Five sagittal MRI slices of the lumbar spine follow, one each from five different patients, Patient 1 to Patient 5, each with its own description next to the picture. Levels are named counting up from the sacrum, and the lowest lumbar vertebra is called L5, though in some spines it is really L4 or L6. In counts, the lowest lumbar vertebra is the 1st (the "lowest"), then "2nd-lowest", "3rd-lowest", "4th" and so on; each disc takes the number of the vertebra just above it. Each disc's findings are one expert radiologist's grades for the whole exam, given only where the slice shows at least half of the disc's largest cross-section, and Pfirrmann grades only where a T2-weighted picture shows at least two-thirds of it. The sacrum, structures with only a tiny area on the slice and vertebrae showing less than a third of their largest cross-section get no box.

Patient 1 of 5:
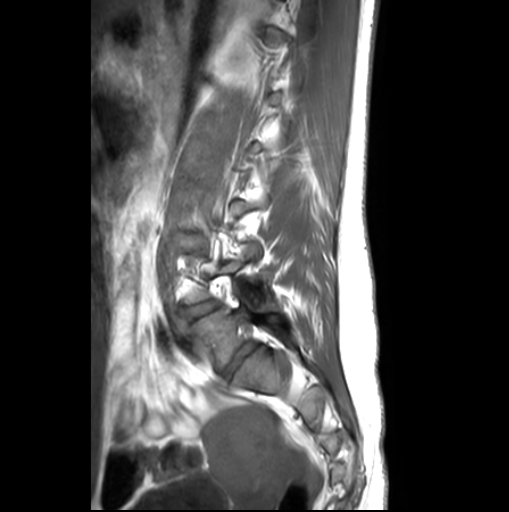 Lumbar spine MR, T1-weighted, sagittal | Slice spacing 3.3 mm | Sagittal slice index 6

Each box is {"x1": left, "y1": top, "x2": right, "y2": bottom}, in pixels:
L4/L5 (2nd-lowest disc) at {"x1": 183, "y1": 300, "x2": 217, "y2": 321}, L5 (lowest vertebra) at {"x1": 193, "y1": 306, "x2": 287, "y2": 368}, L5/S1 (lowest disc) at {"x1": 223, "y1": 342, "x2": 257, "y2": 376}.

Patient 2 of 5:
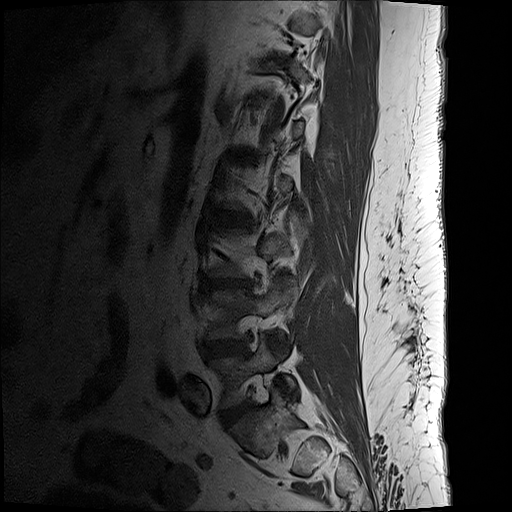 Slice spacing 3.3 mm, Lumbar spine MR, T1-weighted, sagittal

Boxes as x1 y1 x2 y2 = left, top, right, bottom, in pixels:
L2/L3: 228 217 249 224.
L4 vertebra: 207 280 296 339.
L5: 213 334 296 406.
L3/L4: 204 282 249 290.
L5/S1: 222 403 252 422.
L4/L5: 206 341 243 355.

Patient 3 of 5:
Field of view 310x309 mm, slice spacing 4.4 mm. Slice 12 of 21. MRI lumbar spine (T1-weighted), sagittal plane. 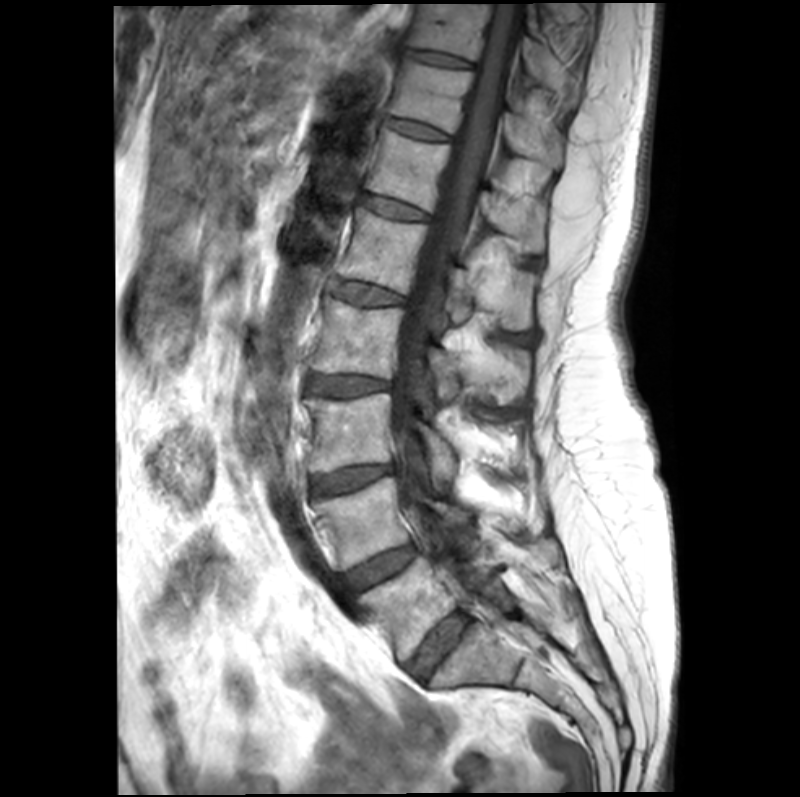

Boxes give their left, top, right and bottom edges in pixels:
T12 vertebra at left=366, top=128, right=545, bottom=253; T12/L1 at left=361, top=195, right=428, bottom=220; T11 vertebra at left=388, top=62, right=561, bottom=169; disc T10/T11 at left=401, top=49, right=472, bottom=67; disc L5/S1 at left=406, top=614, right=469, bottom=682; T10 vertebra at left=405, top=4, right=579, bottom=102; L4 vertebra at left=314, top=477, right=519, bottom=570; L3 vertebra at left=304, top=393, right=456, bottom=475; T11/T12 at left=385, top=117, right=451, bottom=140; L4/L5 at left=340, top=545, right=417, bottom=599; L2 vertebra at left=310, top=296, right=529, bottom=400; disc L1/L2 at left=330, top=278, right=404, bottom=304; spinal canal at left=393, top=4, right=521, bottom=604; disc L2/L3 at left=306, top=374, right=389, bottom=397; L3/L4 at left=310, top=464, right=392, bottom=494; L5 at left=358, top=539, right=558, bottom=663; L1 vertebra at left=338, top=207, right=535, bottom=330.

Degenerative findings by level:
- L1/L2: Modic type II, lower-endplate change, upper-endplate change
- L4/L5: Modic type II
- L3/L4: disc bulging, disc narrowing, lower-endplate change, Modic type II, upper-endplate change
- L2/L3: disc bulging, Modic type II, upper-endplate change, lower-endplate change
- L5/S1: Modic type II
- T12/L1: Modic type II
- T10/T11, T11/T12: no spondylolisthesis, narrowing, bulging, herniation, Modic or endplate change recorded

Patient 4 of 5:
Lumbar spine MR, T2-weighted, sagittal; Field of view 310x310 mm, slice spacing 4.4 mm; Slice 8/20; Patient sex: F

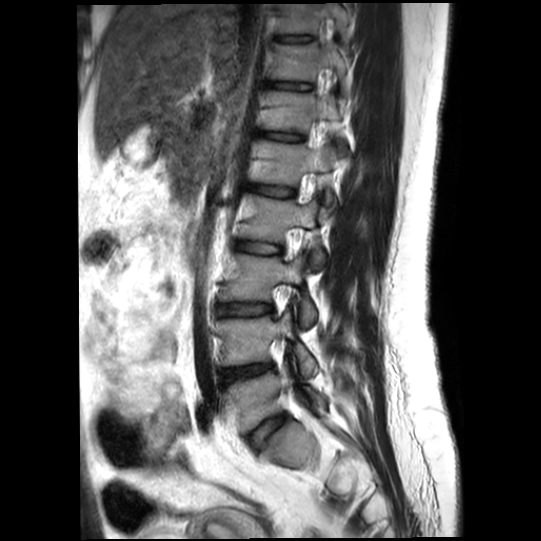 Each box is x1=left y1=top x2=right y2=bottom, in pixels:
2nd-lowest disc: x1=223 y1=364 x2=272 y2=381.
7th disc: x1=269 y1=81 x2=311 y2=90.
Lowest vertebra: x1=227 y1=368 x2=325 y2=430.
4th disc: x1=236 y1=241 x2=280 y2=254.
8th vertebra: x1=278 y1=3 x2=349 y2=39.
7th vertebra: x1=271 y1=43 x2=348 y2=81.
3rd-lowest disc: x1=218 y1=303 x2=272 y2=315.
5th vertebra: x1=250 y1=140 x2=337 y2=202.
8th disc: x1=276 y1=35 x2=312 y2=42.
2nd-lowest vertebra: x1=219 y1=312 x2=317 y2=375.
6th disc: x1=261 y1=132 x2=301 y2=140.
6th vertebra: x1=263 y1=91 x2=344 y2=152.
5th disc: x1=246 y1=184 x2=294 y2=197.
Lowest disc: x1=251 y1=415 x2=285 y2=448.
3rd-lowest vertebra: x1=220 y1=254 x2=316 y2=326.
4th vertebra: x1=239 y1=194 x2=324 y2=266.

Per-level radiological findings:
  7th disc: Pfirrmann grade 1, lower-endplate change
  2nd-lowest disc: Pfirrmann grade 5, upper-endplate change, disc narrowing, lower-endplate change, disc bulging
  5th disc: Pfirrmann grade 1, lower-endplate change
  6th disc: lower-endplate change
  4th disc: Pfirrmann grade 1, lower-endplate change
  lowest disc: lower-endplate change, disc bulging, disc narrowing, upper-endplate change
  3rd-lowest disc: Pfirrmann grade 2, lower-endplate change, disc narrowing, disc bulging, upper-endplate change
  8th disc: no Modic or endplate change, herniation, narrowing, bulging or spondylolisthesis recorded

Patient 5 of 5:
T2-weighted sagittal MRI of the lumbar spine; Sex F; Field of view 280x282 mm
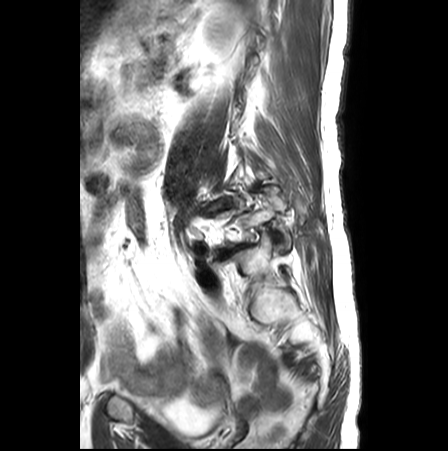 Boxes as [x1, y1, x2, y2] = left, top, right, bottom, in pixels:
L5/S1 (lowest disc) = [219, 244, 251, 258].
IVD L4/L5 (2nd-lowest disc) = [210, 198, 231, 210].

Radiological gradings:
  L5/S1 (lowest disc): disc narrowing, lower-endplate change, upper-endplate change, disc bulging, Modic type II, disc herniation